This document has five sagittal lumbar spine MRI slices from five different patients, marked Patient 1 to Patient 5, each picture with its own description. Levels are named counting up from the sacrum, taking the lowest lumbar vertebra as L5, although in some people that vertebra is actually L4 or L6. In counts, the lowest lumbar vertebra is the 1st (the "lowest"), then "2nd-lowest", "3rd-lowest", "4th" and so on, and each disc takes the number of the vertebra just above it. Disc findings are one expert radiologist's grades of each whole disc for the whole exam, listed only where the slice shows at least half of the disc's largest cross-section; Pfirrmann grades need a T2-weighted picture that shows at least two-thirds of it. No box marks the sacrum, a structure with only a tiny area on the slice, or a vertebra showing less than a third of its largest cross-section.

Patient 1 of 5:
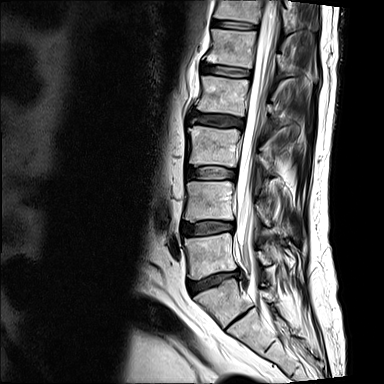 Sagittal T2-weighted lumbar spine MRI

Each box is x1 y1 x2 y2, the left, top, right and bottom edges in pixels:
L4: 183 181 269 225.
L3/L4: 187 167 237 179.
Intervertebral disc L4/L5: 182 221 234 234.
L5: 184 233 270 279.
Spinal canal: 236 0 279 274.
L1/L2: 201 63 251 77.
L1: 207 29 316 77.
Intervertebral disc L2/L3: 192 111 243 128.
T12/L1: 213 20 256 29.
L2 vertebra: 196 76 284 125.
Intervertebral disc L5/S1: 187 270 242 293.
T12 vertebra: 215 0 301 32.
L3: 188 126 273 174.

Per-level radiological findings:
• L4/L5: Pfirrmann grade 2, lower-endplate change, upper-endplate change, disc bulging
• T12/L1: Pfirrmann grade 2
• L2/L3: Pfirrmann grade 3, lower-endplate change, upper-endplate change, disc bulging, Modic type II
• L5/S1: Pfirrmann grade 3, disc herniation, disc narrowing, lower-endplate change, upper-endplate change, Modic type II
• L3/L4: Pfirrmann grade 2
• L1/L2: Pfirrmann grade 2, upper-endplate change, Modic type II, lower-endplate change

Patient 2 of 5:
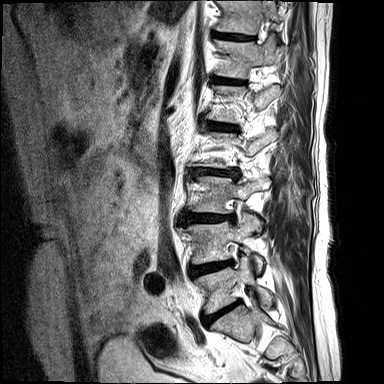 Sagittal slice index 3. MRI lumbar spine (T2-weighted), sagittal plane. Image 384x384.
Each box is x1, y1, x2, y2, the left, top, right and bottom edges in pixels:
7th disc at 213, 33, 253, 40; 6th disc at 215, 77, 244, 84; 2nd-lowest vertebra at 180, 215, 261, 270; 5th disc at 207, 123, 235, 131; 7th vertebra at 215, 0, 281, 34; 3rd-lowest disc at 185, 213, 233, 224; 2nd-lowest disc at 189, 261, 230, 276; 4th disc at 191, 168, 239, 181; 3rd-lowest vertebra at 193, 176, 269, 213; 6th vertebra at 215, 40, 282, 78; lowest disc at 204, 301, 238, 324; lowest vertebra at 195, 257, 272, 314.

Radiological gradings:
- 6th disc: disc narrowing, Modic type II
- 7th disc: Pfirrmann grade 4, upper-endplate change, Modic type II, lower-endplate change, disc narrowing
- 3rd-lowest disc: disc herniation, Modic type II, upper-endplate change, disc narrowing, lower-endplate change
- 2nd-lowest disc: disc bulging, Modic type II, lower-endplate change, disc narrowing
- 4th disc: Pfirrmann grade 4, lower-endplate change, Modic type II, disc narrowing, disc herniation

Patient 3 of 5:
Field of view 240x300 mm | Patient sex: F | Sagittal T2 SPACE (3D) lumbar spine MRI
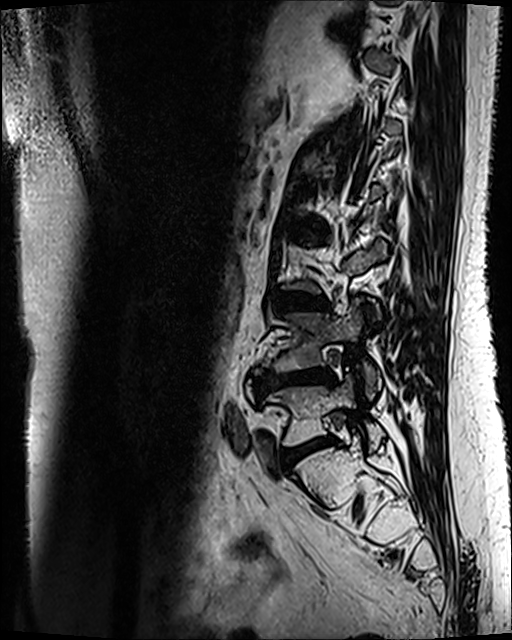
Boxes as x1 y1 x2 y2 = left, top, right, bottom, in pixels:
Segmented structures:
* IVD L3/L4 = 275 295 326 309
* L4 vertebra = 255 300 381 398
* L2/L3 = 291 224 318 236
* L4/L5 = 255 368 334 392
* IVD L5/S1 = 280 438 334 468
* L5 = 268 375 384 448

Degenerative findings by level:
- L4/L5: Pfirrmann grade 4, lower-endplate change, disc bulging, disc narrowing, upper-endplate change, Modic type II
- L3/L4: Modic type II, disc bulging

Patient 4 of 5:
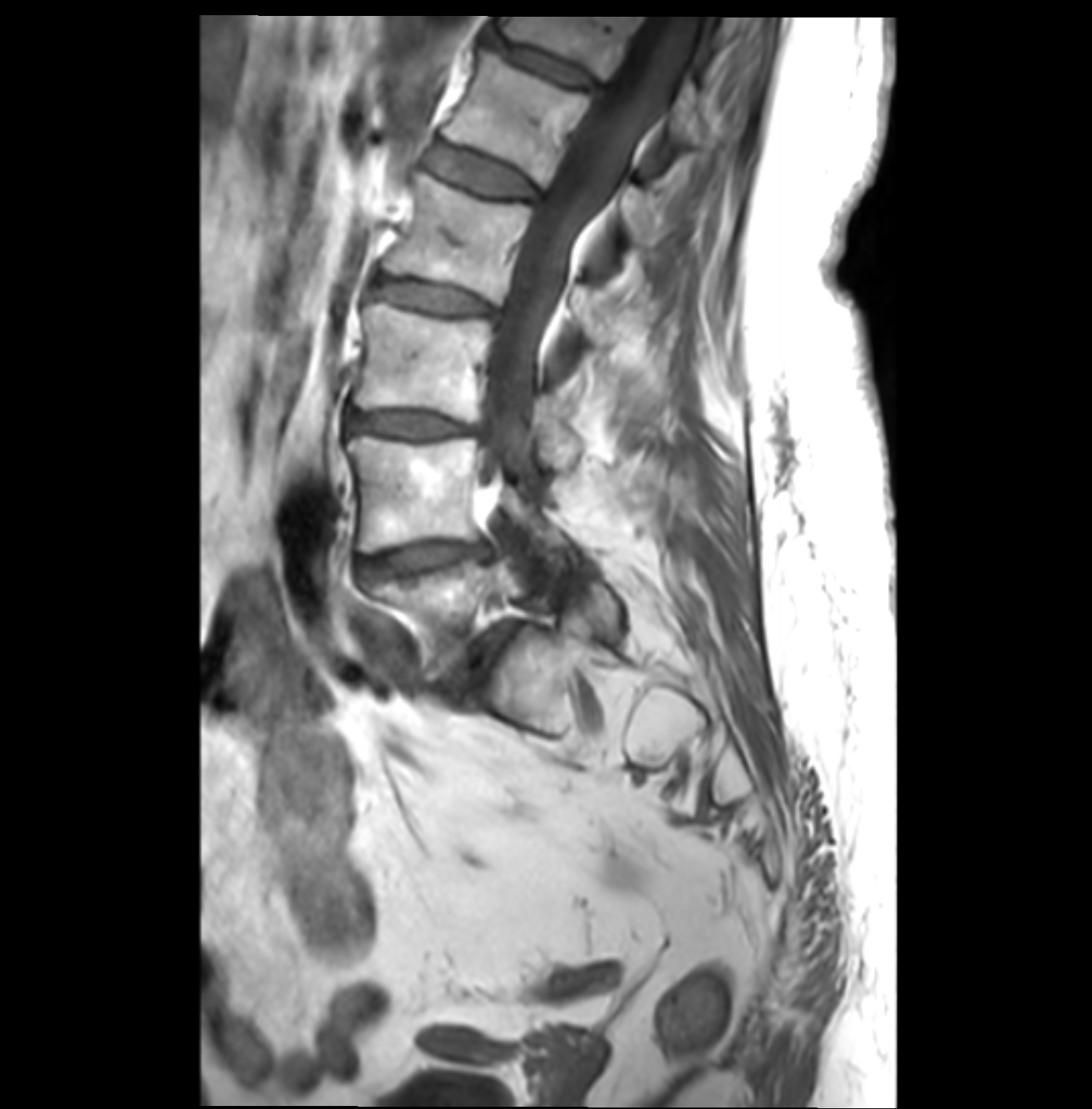 Sagittal T1-weighted lumbar spine MRI. Patient sex: F.
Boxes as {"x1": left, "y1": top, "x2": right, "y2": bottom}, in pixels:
3rd-lowest vertebra: {"x1": 354, "y1": 303, "x2": 581, "y2": 469} | 3rd-lowest disc: {"x1": 348, "y1": 411, "x2": 481, "y2": 436} | 2nd-lowest vertebra: {"x1": 348, "y1": 435, "x2": 575, "y2": 569} | lowest disc: {"x1": 441, "y1": 626, "x2": 516, "y2": 689} | 4th vertebra: {"x1": 383, "y1": 173, "x2": 611, "y2": 344} | 4th disc: {"x1": 370, "y1": 277, "x2": 496, "y2": 320} | 5th vertebra: {"x1": 443, "y1": 49, "x2": 660, "y2": 245} | spinal canal: {"x1": 484, "y1": 19, "x2": 687, "y2": 474} | lowest vertebra: {"x1": 372, "y1": 545, "x2": 624, "y2": 680} | 6th disc: {"x1": 492, "y1": 40, "x2": 599, "y2": 93} | 6th vertebra: {"x1": 497, "y1": 14, "x2": 715, "y2": 147} | 5th disc: {"x1": 429, "y1": 142, "x2": 538, "y2": 200} | 2nd-lowest disc: {"x1": 360, "y1": 541, "x2": 484, "y2": 584}

Expert MSK radiologist gradings (per disc):
• 3rd-lowest disc: disc narrowing, disc bulging, Modic type II
• 5th disc: Modic type II
• 4th disc: disc bulging, Modic type II
• 6th disc: disc bulging
• 2nd-lowest disc: disc bulging, disc narrowing, Modic type II

Patient 5 of 5:
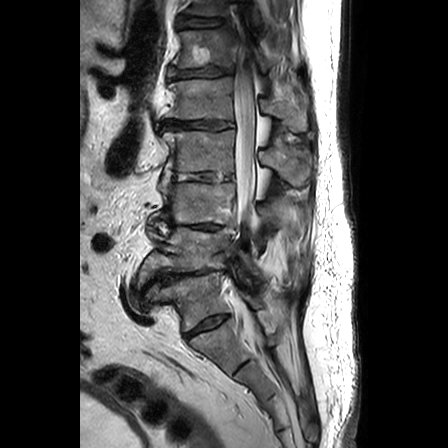 Patient sex: M; Field of view 280x280 mm, slice spacing 3.3 mm; T2-weighted sagittal MRI of the lumbar spine

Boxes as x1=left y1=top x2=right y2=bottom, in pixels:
L1 at x1=165 y1=77 x2=308 y2=131, T11 at x1=184 y1=0 x2=260 y2=27, disc T12/L1 at x1=169 y1=67 x2=231 y2=80, disc T11/T12 at x1=177 y1=18 x2=225 y2=28, disc L5/S1 at x1=185 y1=315 x2=227 y2=337, L4 vertebra at x1=138 y1=224 x2=261 y2=284, L1/L2 at x1=161 y1=120 x2=232 y2=130, L2 vertebra at x1=159 y1=130 x2=309 y2=186, T12 at x1=173 y1=27 x2=271 y2=71, spinal canal at x1=234 y1=39 x2=256 y2=247, L3 at x1=159 y1=183 x2=283 y2=229, L4/L5 at x1=144 y1=269 x2=213 y2=289, L2/L3 at x1=167 y1=173 x2=232 y2=181, L5 at x1=156 y1=272 x2=261 y2=331, L3/L4 at x1=156 y1=220 x2=225 y2=229.

Per-level radiological findings:
  T11/T12: Pfirrmann grade 3, disc bulging, upper-endplate change, disc narrowing
  L1/L2: Pfirrmann grade 4, disc narrowing, disc bulging
  L2/L3: Pfirrmann grade 4, disc bulging, disc narrowing
  L4/L5: disc herniation, disc bulging, disc narrowing, Modic type II
  L5/S1: Pfirrmann grade 4, disc narrowing
  L3/L4: Pfirrmann grade 5, disc herniation, Modic type II, disc narrowing, disc bulging
  T12/L1: Pfirrmann grade 4, disc bulging, disc herniation, disc narrowing